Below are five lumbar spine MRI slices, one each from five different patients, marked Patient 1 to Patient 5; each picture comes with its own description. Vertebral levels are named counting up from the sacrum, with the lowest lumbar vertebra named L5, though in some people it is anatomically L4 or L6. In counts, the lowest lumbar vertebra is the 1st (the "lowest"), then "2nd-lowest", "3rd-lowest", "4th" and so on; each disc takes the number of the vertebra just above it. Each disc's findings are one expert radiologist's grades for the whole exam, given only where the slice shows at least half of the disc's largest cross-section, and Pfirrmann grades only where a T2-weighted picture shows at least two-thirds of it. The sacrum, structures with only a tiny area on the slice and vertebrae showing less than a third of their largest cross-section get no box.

Patient 1 of 5:
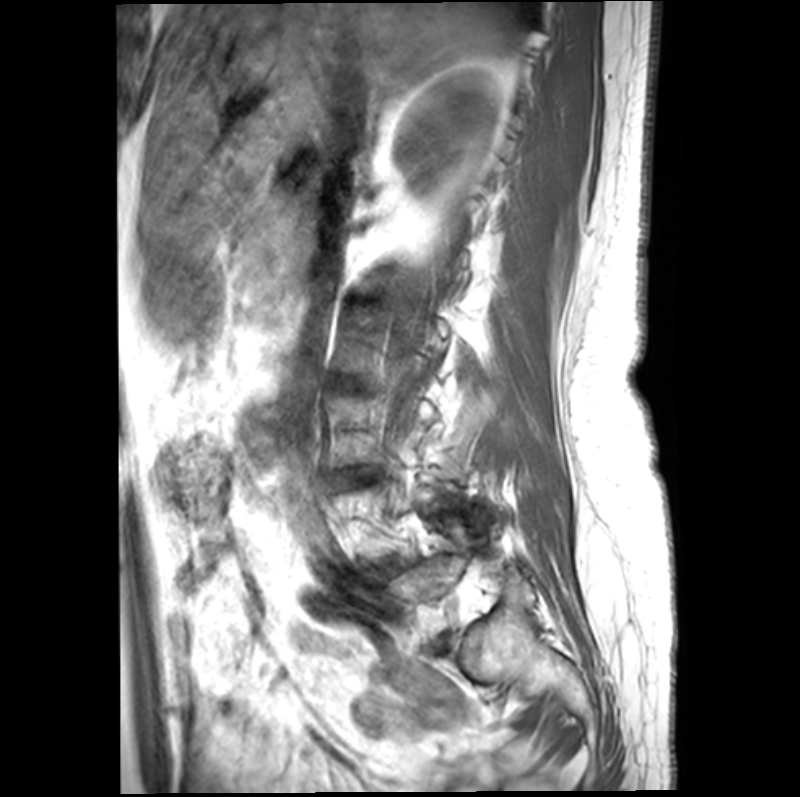

MRI lumbar spine (T1-weighted), sagittal plane
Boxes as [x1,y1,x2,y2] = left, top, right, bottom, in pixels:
Disc L3/L4: [336,467,373,487].
L4/L5: [385,557,407,575].

Patient 2 of 5:
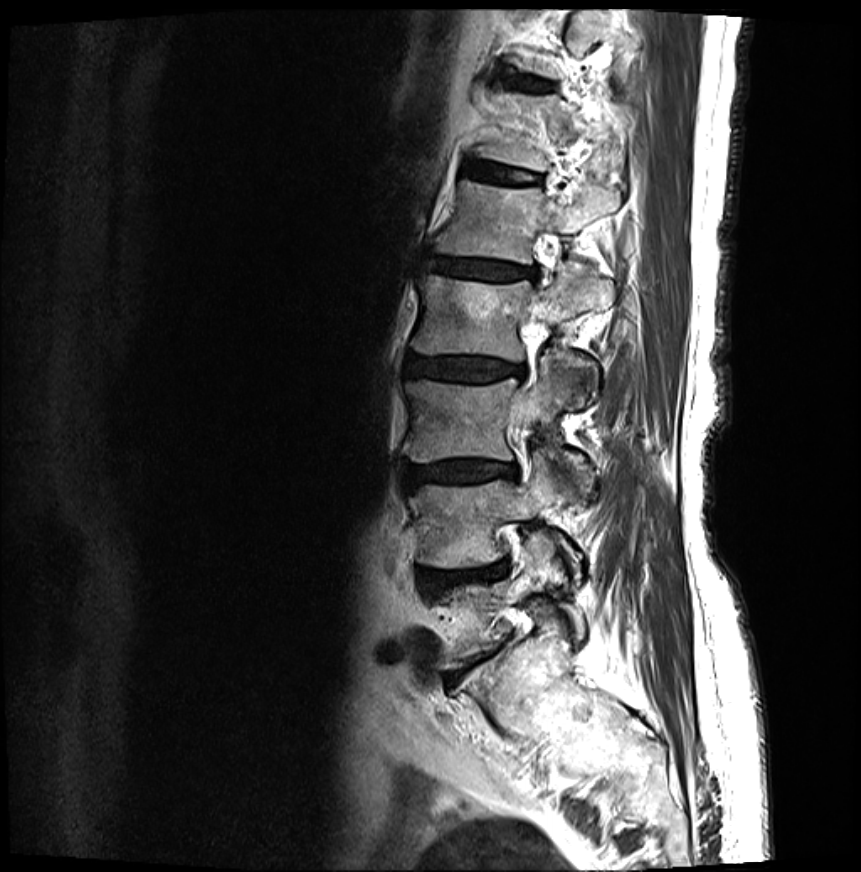 T2-weighted sagittal MRI of the lumbar spine; Image 861x872
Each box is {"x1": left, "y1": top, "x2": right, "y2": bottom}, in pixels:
4th disc = {"x1": 405, "y1": 357, "x2": 522, "y2": 381}.
3rd-lowest vertebra = {"x1": 402, "y1": 354, "x2": 593, "y2": 499}.
6th disc = {"x1": 464, "y1": 163, "x2": 535, "y2": 184}.
2nd-lowest vertebra = {"x1": 409, "y1": 454, "x2": 581, "y2": 580}.
7th disc = {"x1": 498, "y1": 75, "x2": 549, "y2": 91}.
6th vertebra = {"x1": 477, "y1": 94, "x2": 611, "y2": 170}.
Thecal sac / spinal canal = {"x1": 526, "y1": 306, "x2": 544, "y2": 339}.
Lowest vertebra = {"x1": 441, "y1": 533, "x2": 584, "y2": 668}.
4th vertebra = {"x1": 410, "y1": 266, "x2": 613, "y2": 404}.
2nd-lowest disc = {"x1": 420, "y1": 561, "x2": 507, "y2": 591}.
5th vertebra = {"x1": 434, "y1": 178, "x2": 619, "y2": 264}.
5th disc = {"x1": 424, "y1": 257, "x2": 537, "y2": 281}.
3rd-lowest disc = {"x1": 404, "y1": 461, "x2": 517, "y2": 487}.

Radiological gradings:
  3rd-lowest disc: Pfirrmann grade 4, disc bulging, lower-endplate change, disc narrowing, Modic type II, upper-endplate change
  5th disc: Pfirrmann grade 4, lower-endplate change, Modic type II, disc narrowing, upper-endplate change, disc bulging
  6th disc: Modic type II, upper-endplate change, lower-endplate change
  4th disc: Pfirrmann grade 4, disc narrowing, upper-endplate change, Modic type II, disc bulging, lower-endplate change

Patient 3 of 5:
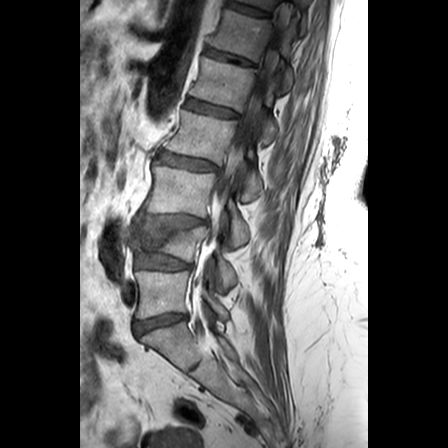

Lumbar spine MR, T1-weighted, sagittal; Slice 15 of 24; Patient sex: F
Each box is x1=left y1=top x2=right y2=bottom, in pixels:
* L1 (5th vertebra): x1=189 y1=56 x2=277 y2=143
* L5 (lowest vertebra): x1=135 y1=270 x2=228 y2=318
* L3 (3rd-lowest vertebra): x1=145 y1=165 x2=249 y2=245
* disc L3/L4 (3rd-lowest disc): x1=137 y1=214 x2=206 y2=227
* T11 (7th vertebra): x1=237 y1=0 x2=308 y2=28
* disc L5/S1 (lowest disc): x1=134 y1=313 x2=186 y2=335
* T12 (6th vertebra): x1=210 y1=10 x2=295 y2=89
* L4 (2nd-lowest vertebra): x1=133 y1=222 x2=237 y2=288
* disc T11/T12 (7th disc): x1=227 y1=1 x2=271 y2=17
* thecal sac / spinal canal: x1=197 y1=26 x2=281 y2=293
* L2 (4th vertebra): x1=165 y1=109 x2=263 y2=201
* disc L2/L3 (4th disc): x1=156 y1=151 x2=218 y2=170
* disc L4/L5 (2nd-lowest disc): x1=135 y1=252 x2=191 y2=270
* T12/L1 (6th disc): x1=206 y1=48 x2=255 y2=66
* disc L1/L2 (5th disc): x1=185 y1=98 x2=238 y2=117

Expert MSK radiologist gradings (per disc):
- L3/L4 (3rd-lowest disc): upper-endplate change, disc bulging, lower-endplate change
- T12/L1 (6th disc): lower-endplate change, upper-endplate change
- L1/L2 (5th disc): upper-endplate change
- L5/S1 (lowest disc): disc bulging
- T11/T12 (7th disc): lower-endplate change
- L4/L5 (2nd-lowest disc): disc bulging, lower-endplate change
- L2/L3 (4th disc): lower-endplate change, upper-endplate change

Patient 4 of 5:
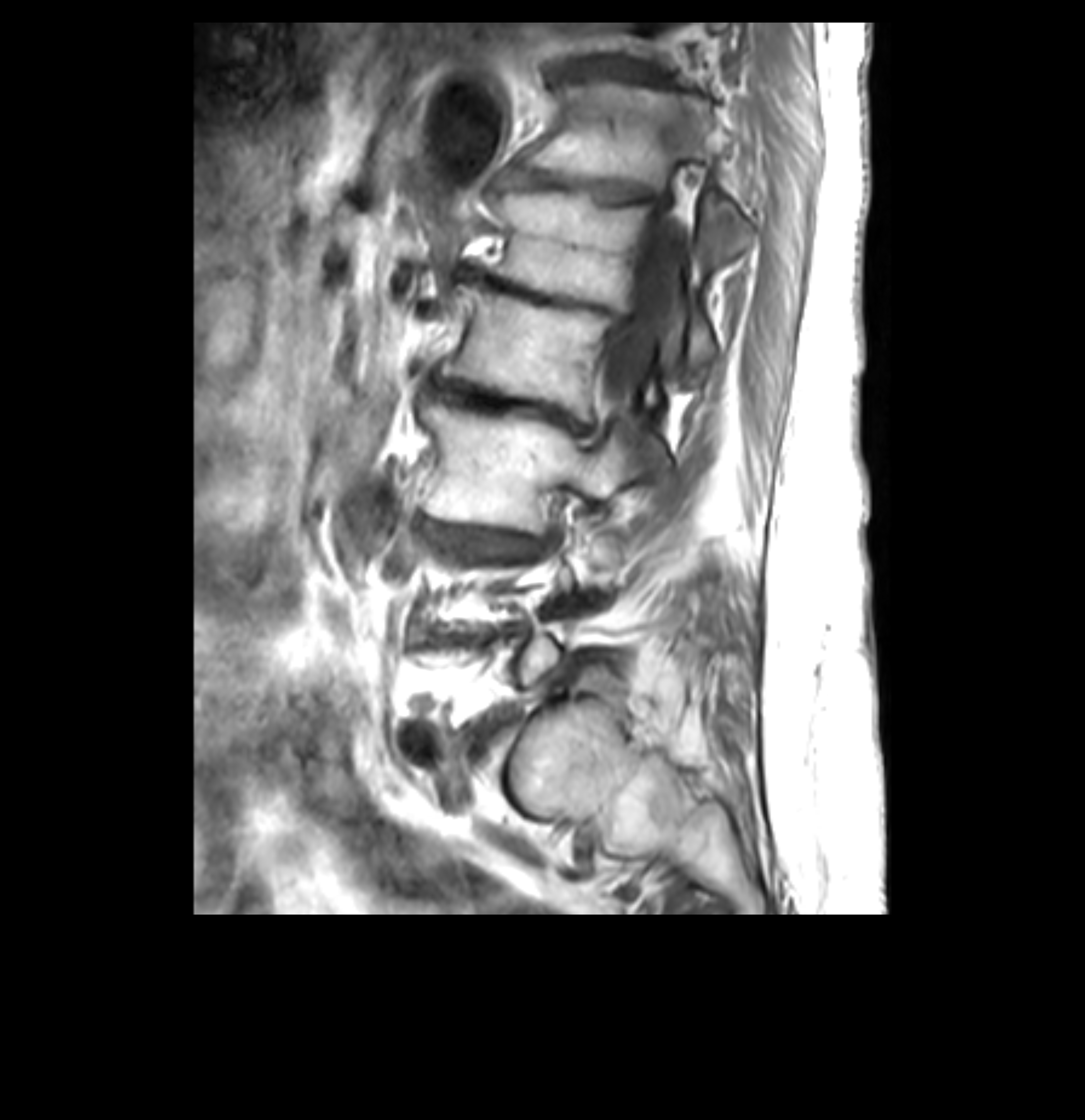

MRI lumbar spine (T1-weighted), sagittal plane | Field of view 280x289 mm, slice spacing 3.4 mm | Image 1085x1120
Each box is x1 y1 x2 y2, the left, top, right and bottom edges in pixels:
L1/L2: 453 266 610 315.
L3: 419 395 634 532.
L2/L3: 424 368 591 435.
L2: 443 282 663 457.
L1: 489 190 748 367.
T12/L1: 494 164 666 203.
T11/T12: 562 56 675 84.
T12 vertebra: 521 83 719 192.
Thecal sac / spinal canal: 601 210 690 425.

Per-level radiological findings:
  T12/L1: upper-endplate change, lower-endplate change, disc bulging, disc narrowing, Modic type II
  T11/T12: disc narrowing, lower-endplate change, Modic type II, upper-endplate change, disc bulging

Patient 5 of 5:
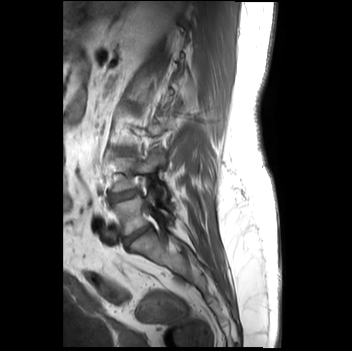 Slice 24 of 35 | MRI lumbar spine (T1-weighted), sagittal plane | Slice spacing 3.2 mm
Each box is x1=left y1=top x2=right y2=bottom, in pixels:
Lowest disc at x1=124 y1=224 x2=151 y2=245, 2nd-lowest disc at x1=109 y1=188 x2=139 y2=203, 2nd-lowest vertebra at x1=111 y1=148 x2=166 y2=200, 3rd-lowest disc at x1=117 y1=148 x2=131 y2=155, lowest vertebra at x1=112 y1=189 x2=173 y2=235.

Expert MSK radiologist gradings (per disc):
• lowest disc: lower-endplate change, Modic type II, upper-endplate change, disc narrowing
• 2nd-lowest disc: no spondylolisthesis, narrowing, bulging, herniation, Modic or endplate change recorded